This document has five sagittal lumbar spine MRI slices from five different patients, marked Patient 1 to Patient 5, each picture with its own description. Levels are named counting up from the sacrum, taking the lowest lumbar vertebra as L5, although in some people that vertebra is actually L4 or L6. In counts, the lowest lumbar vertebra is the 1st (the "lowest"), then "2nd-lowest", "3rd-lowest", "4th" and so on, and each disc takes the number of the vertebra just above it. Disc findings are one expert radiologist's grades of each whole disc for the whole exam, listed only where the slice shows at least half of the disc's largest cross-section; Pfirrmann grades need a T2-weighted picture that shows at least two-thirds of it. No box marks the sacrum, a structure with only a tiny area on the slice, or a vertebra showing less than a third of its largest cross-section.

Patient 1 of 5:
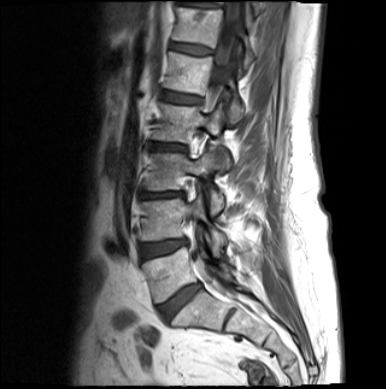 386x389 px. T1-weighted sagittal MRI of the lumbar spine. Field of view 260x262 mm.
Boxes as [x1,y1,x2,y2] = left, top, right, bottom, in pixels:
L3/L4 at [142,192,183,198], intervertebral disc L2/L3 at [152,142,186,151], L4/L5 at [141,239,189,258], L1/L2 at [161,91,199,103], T12 at [172,7,253,68], thecal sac / spinal canal at [208,2,241,290], L5 vertebra at [142,247,232,302], intervertebral disc L5/S1 at [159,284,200,319], T12/L1 at [170,43,211,54], L2 vertebra at [153,103,229,167], L4 at [141,192,226,255], L3 vertebra at [146,148,223,215], L1 vertebra at [164,52,242,121].

Radiological gradings:
• L5/S1: disc bulging
• L2/L3: disc bulging
• L4/L5: disc bulging
• L1/L2: disc bulging
• T12/L1: no Modic or endplate change, herniation, narrowing, bulging or spondylolisthesis recorded

Patient 2 of 5:
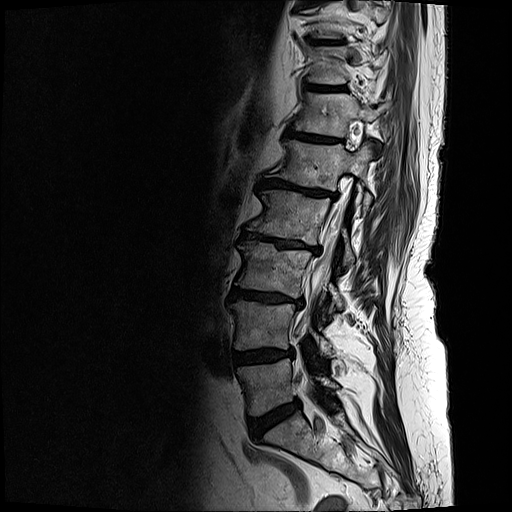 MRI lumbar spine (T2-weighted), sagittal plane.
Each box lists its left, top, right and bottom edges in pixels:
{"disc L1/L2 (5th disc)": "left=259, top=180, right=337, bottom=198", "spinal canal": "left=298, top=189, right=348, bottom=336", "disc L3/L4 (3rd-lowest disc)": "left=230, top=287, right=302, bottom=305", "T12 (6th vertebra)": "left=294, top=93, right=380, bottom=137", "T10/T11 (8th disc)": "left=308, top=40, right=341, bottom=43", "T11/T12 (7th disc)": "left=306, top=85, right=331, bottom=90", "L3 (3rd-lowest vertebra)": "left=236, top=241, right=341, bottom=307", "L5 (lowest vertebra)": "left=238, top=359, right=339, bottom=416", "L4 (2nd-lowest vertebra)": "left=230, top=301, right=332, bottom=356", "L2 (4th vertebra)": "left=246, top=190, right=353, bottom=265", "T11 (7th vertebra)": "left=309, top=47, right=384, bottom=84", "L1 (5th vertebra)": "left=267, top=139, right=371, bottom=208", "disc L4/L5 (2nd-lowest disc)": "left=230, top=349, right=292, bottom=366", "disc T12/L1 (6th disc)": "left=286, top=131, right=333, bottom=141", "disc L5/S1 (lowest disc)": "left=249, top=401, right=300, bottom=438", "L2/L3 (4th disc)": "left=241, top=231, right=319, bottom=251"}

Radiological gradings:
• L5/S1 (lowest disc): Pfirrmann grade 4, disc bulging
• L2/L3 (4th disc): disc narrowing, lower-endplate change, upper-endplate change, disc bulging, Modic type II
• L4/L5 (2nd-lowest disc): Pfirrmann grade 4, disc bulging, lower-endplate change, upper-endplate change
• T12/L1 (6th disc): lower-endplate change, Modic type II, upper-endplate change
• L3/L4 (3rd-lowest disc): Pfirrmann grade 5, Modic type II, disc narrowing, lower-endplate change, disc bulging, upper-endplate change
• L1/L2 (5th disc): Pfirrmann grade 5, disc narrowing, Modic type II, upper-endplate change, lower-endplate change, disc bulging

Patient 3 of 5:
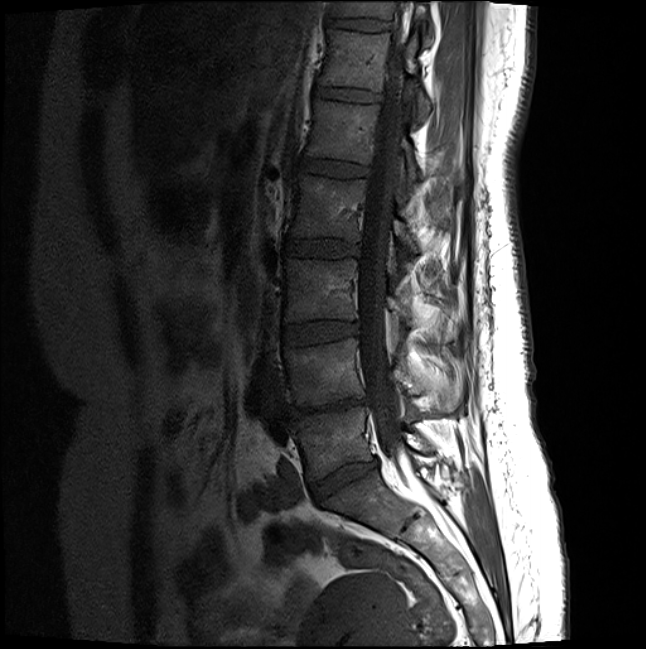 Field of view 300x302 mm, slice spacing 3.3 mm. T1-weighted sagittal MRI of the lumbar spine. Slice 10 of 20.

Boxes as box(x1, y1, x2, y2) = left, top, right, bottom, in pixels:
T12 at box(320, 29, 430, 119); L4/L5 at box(285, 397, 369, 417); T12/L1 at box(314, 87, 380, 100); L5/S1 at box(310, 459, 377, 502); intervertebral disc L2/L3 at box(285, 238, 360, 256); L4 at box(284, 338, 462, 406); L2 vertebra at box(288, 175, 416, 260); T11 at box(333, 0, 432, 41); L3/L4 at box(282, 321, 358, 344); spinal canal at box(357, 47, 405, 461); L5 at box(289, 406, 430, 480); L3 vertebra at box(284, 257, 453, 339); T11/T12 at box(328, 17, 389, 29); L1 at box(306, 100, 423, 189); intervertebral disc L1/L2 at box(296, 156, 369, 175).

Radiological gradings:
- L4/L5: upper-endplate change, Modic type II, disc bulging, lower-endplate change, disc narrowing
- L5/S1: disc bulging, disc narrowing
- L2/L3, T12/L1, L1/L2, T11/T12, L3/L4: no spondylolisthesis, narrowing, bulging, herniation, Modic or endplate change recorded

Patient 4 of 5:
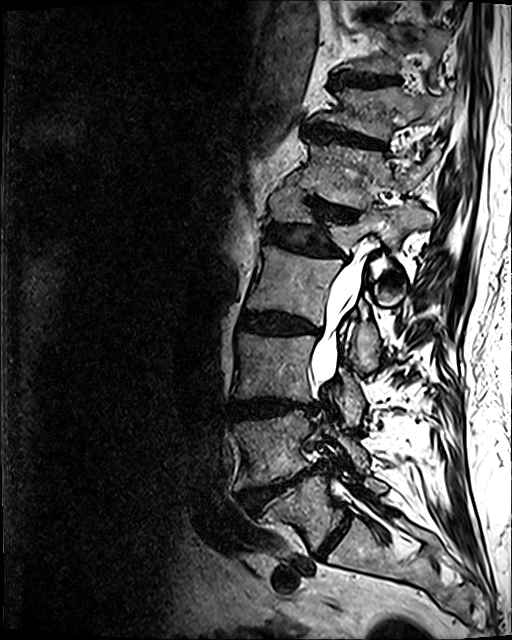 MRI lumbar spine (T2 SPACE (3D)), sagittal plane; Field of view 240x300 mm

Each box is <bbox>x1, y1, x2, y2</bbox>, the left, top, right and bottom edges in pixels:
disc T11/T12: <bbox>305, 125, 383, 149</bbox>
T12/L1: <bbox>309, 199, 356, 220</bbox>
T11 vertebra: <bbox>309, 88, 452, 139</bbox>
L2: <bbox>247, 244, 380, 370</bbox>
T10/T11: <bbox>334, 73, 396, 86</bbox>
L4 vertebra: <bbox>234, 410, 367, 488</bbox>
L1/L2: <bbox>266, 224, 343, 256</bbox>
L1 vertebra: <bbox>267, 182, 435, 304</bbox>
L5/S1: <bbox>315, 514, 351, 556</bbox>
L5 vertebra: <bbox>267, 464, 387, 549</bbox>
L2/L3: <bbox>240, 312, 319, 334</bbox>
T12: <bbox>290, 139, 439, 208</bbox>
disc L4/L5: <bbox>243, 466, 317, 512</bbox>
L3: <bbox>232, 331, 364, 425</bbox>
L3/L4: <bbox>232, 399, 315, 420</bbox>
spinal canal: <bbox>311, 252, 364, 381</bbox>

Radiological gradings:
  L1/L2: Pfirrmann grade 4, upper-endplate change, disc bulging, disc narrowing, lower-endplate change
  L3/L4: Pfirrmann grade 4, disc bulging, disc narrowing, lower-endplate change, upper-endplate change
  T10/T11: Pfirrmann grade 4, lower-endplate change, upper-endplate change, disc bulging
  T11/T12: Pfirrmann grade 4, upper-endplate change, disc bulging, lower-endplate change, disc narrowing
  L4/L5: Pfirrmann grade 5, disc bulging, lower-endplate change, disc herniation, disc narrowing, Modic type II, upper-endplate change
  L2/L3: Pfirrmann grade 4, upper-endplate change, lower-endplate change, disc narrowing, disc bulging, Modic type II
  L5/S1: no spondylolisthesis, narrowing, bulging, herniation, Modic or endplate change recorded

Patient 5 of 5:
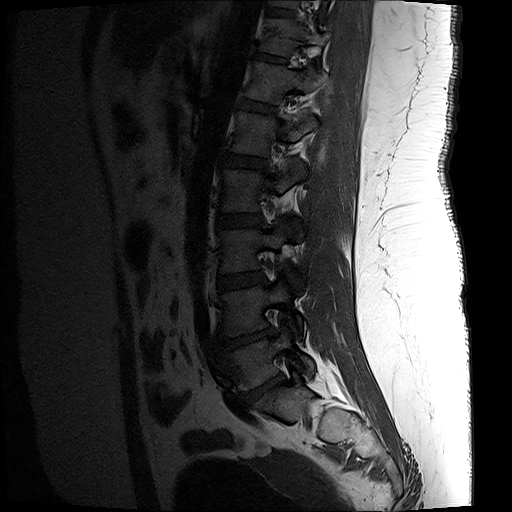 MRI lumbar spine (T1-weighted), sagittal plane | 512x512 px

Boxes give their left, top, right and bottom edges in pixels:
Structures:
* disc T10/T11 = left=267, top=8, right=294, bottom=16
* L2 = left=220, top=160, right=307, bottom=239
* disc L3/L4 = left=218, top=272, right=265, bottom=289
* T10 vertebra = left=269, top=0, right=325, bottom=8
* L4 vertebra = left=219, top=274, right=303, bottom=336
* T12 vertebra = left=244, top=61, right=324, bottom=104
* T11/T12 = left=254, top=51, right=287, bottom=62
* L1/L2 = left=223, top=154, right=266, bottom=166
* T11 vertebra = left=259, top=18, right=327, bottom=56
* L1 vertebra = left=230, top=110, right=317, bottom=156
* L5/S1 = left=242, top=375, right=284, bottom=403
* L3 vertebra = left=218, top=219, right=297, bottom=273
* disc L2/L3 = left=217, top=214, right=262, bottom=226
* T12/L1 = left=240, top=99, right=275, bottom=111
* L5 = left=218, top=326, right=314, bottom=391
* L4/L5 = left=218, top=327, right=275, bottom=352

Expert MSK radiologist gradings (per disc):
• T11/T12: lower-endplate change
• L4/L5: upper-endplate change, Modic type II, disc narrowing, disc herniation, lower-endplate change
• L1/L2: lower-endplate change
• L5/S1: Modic type II, disc herniation, lower-endplate change, disc narrowing, upper-endplate change
• L2/L3: lower-endplate change, upper-endplate change
• T12/L1, L3/L4: no Modic or endplate change, herniation, narrowing, bulging or spondylolisthesis recorded